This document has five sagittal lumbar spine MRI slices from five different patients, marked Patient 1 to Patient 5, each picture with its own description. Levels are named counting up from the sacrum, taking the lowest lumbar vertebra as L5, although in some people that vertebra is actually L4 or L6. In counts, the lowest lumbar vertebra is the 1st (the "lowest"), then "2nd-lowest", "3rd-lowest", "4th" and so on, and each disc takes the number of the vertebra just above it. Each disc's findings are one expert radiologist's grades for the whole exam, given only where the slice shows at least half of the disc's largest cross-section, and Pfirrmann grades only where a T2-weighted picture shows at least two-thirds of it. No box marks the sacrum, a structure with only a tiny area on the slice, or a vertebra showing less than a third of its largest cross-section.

Patient 1 of 5:
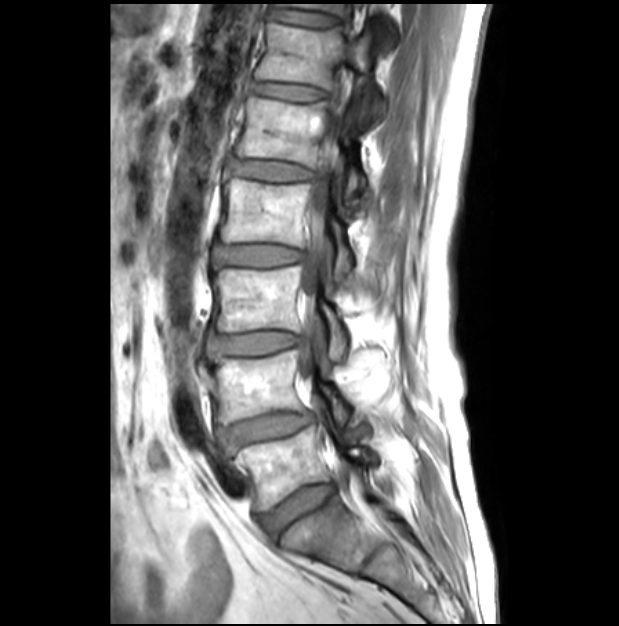
Image 619x626 | MRI lumbar spine (T1-weighted), sagittal plane

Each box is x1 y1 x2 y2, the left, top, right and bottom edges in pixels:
L4 vertebra = 209 350 348 426.
L1 vertebra = 236 95 365 204.
Spinal canal = 298 103 343 379.
L3 vertebra = 213 267 346 358.
L5 vertebra = 235 408 375 510.
T12 = 254 18 383 129.
IVD L3/L4 = 207 331 299 359.
T12/L1 = 250 83 325 101.
L2 = 220 178 351 285.
IVD L2/L3 = 209 243 300 272.
IVD L1/L2 = 228 160 311 181.
IVD T11/T12 = 272 10 339 25.
L4/L5 = 218 412 312 449.
IVD L5/S1 = 260 483 335 535.

Per-level radiological findings:
• L4/L5: disc narrowing, upper-endplate change, spondylolisthesis, disc bulging, lower-endplate change
• L2/L3, L5/S1, L3/L4, T11/T12, T12/L1, L1/L2: no herniation, bulging, narrowing, spondylolisthesis, endplate or Modic change recorded

Patient 2 of 5:
Lumbar spine MR, T2-weighted, sagittal. Image 462x463.

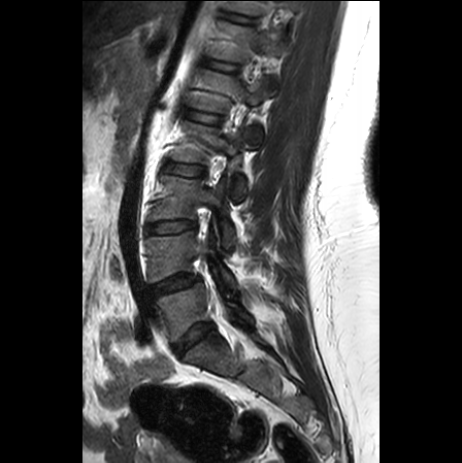

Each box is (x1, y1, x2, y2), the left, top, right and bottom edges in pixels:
Disc T11/T12 at (228, 14, 255, 23), disc L4/L5 at (150, 274, 194, 295), disc L3/L4 at (147, 221, 195, 234), L3 vertebra at (151, 176, 234, 247), disc L5/S1 at (175, 322, 215, 354), L1 at (193, 71, 264, 145), disc L2/L3 at (165, 163, 205, 176), disc L1/L2 at (186, 111, 221, 123), L5 vertebra at (158, 272, 253, 340), T12 vertebra at (215, 24, 287, 94), T12/L1 at (207, 61, 237, 71), L2 vertebra at (173, 122, 245, 202), L4 at (147, 226, 233, 285).

Radiological gradings:
• L5/S1: Pfirrmann grade 3, disc bulging, disc narrowing
• L4/L5: Pfirrmann grade 3, disc narrowing, disc bulging
• L2/L3: Pfirrmann grade 1
• L3/L4: Pfirrmann grade 1
• L1/L2, T12/L1: no herniation, bulging, narrowing, spondylolisthesis, endplate or Modic change recorded

Patient 3 of 5:
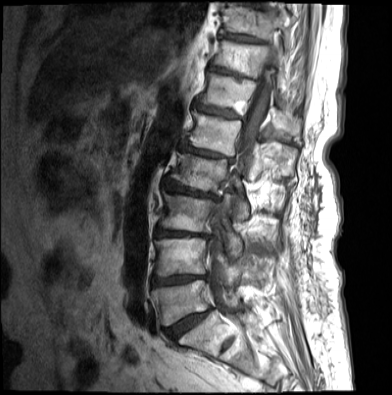 T1-weighted sagittal MRI of the lumbar spine.
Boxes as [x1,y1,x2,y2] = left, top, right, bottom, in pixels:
- 8th vertebra at [218,2,294,49]
- 3rd-lowest disc at [155,227,210,239]
- 7th vertebra at [212,40,287,91]
- spinal canal at [207,62,275,327]
- 6th vertebra at [200,72,302,136]
- 3rd-lowest vertebra at [159,191,242,257]
- 5th disc at [180,141,233,162]
- 9th disc at [238,1,263,8]
- 6th disc at [194,101,242,118]
- 7th disc at [208,65,245,76]
- 8th disc at [220,32,266,43]
- 4th disc at [163,179,219,200]
- 4th vertebra at [170,152,249,219]
- 2nd-lowest vertebra at [154,237,243,281]
- 2nd-lowest disc at [151,275,206,286]
- 5th vertebra at [187,110,297,180]
- lowest disc at [164,308,211,340]
- lowest vertebra at [151,280,276,325]

Per-level radiological findings:
• lowest disc: Modic type II, spondylolisthesis, disc bulging, disc narrowing
• 6th disc: upper-endplate change, lower-endplate change, disc bulging, disc narrowing, Modic type II
• 7th disc: disc bulging, disc narrowing, Modic type II
• 2nd-lowest disc: upper-endplate change, disc bulging, disc narrowing, lower-endplate change, Modic type II
• 4th disc: disc bulging, Modic type II, disc narrowing, disc herniation, lower-endplate change, upper-endplate change
• 8th disc: Modic type II
• 5th disc: upper-endplate change, disc bulging, disc narrowing, Modic type II, lower-endplate change
• 3rd-lowest disc: lower-endplate change, upper-endplate change, Modic type II, disc bulging, disc narrowing
• 9th disc: no spondylolisthesis, narrowing, bulging, herniation, Modic or endplate change recorded

Patient 4 of 5:
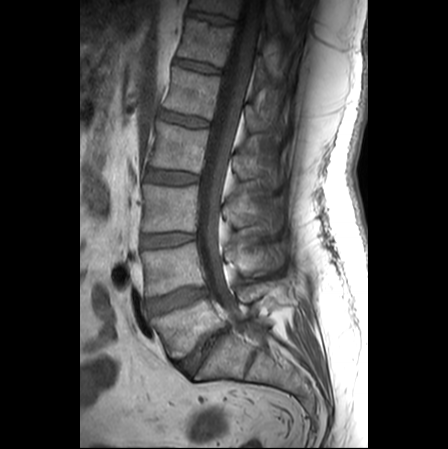 MRI lumbar spine (T1-weighted), sagittal plane

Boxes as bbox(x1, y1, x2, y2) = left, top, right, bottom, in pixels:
Annotations:
- L4/L5 (2nd-lowest disc): bbox(148, 288, 206, 313)
- IVD L2/L3 (4th disc): bbox(147, 170, 198, 185)
- L4 (2nd-lowest vertebra): bbox(142, 243, 283, 295)
- thecal sac / spinal canal: bbox(197, 0, 261, 324)
- T11 (7th vertebra): bbox(190, 0, 275, 27)
- L3 (3rd-lowest vertebra): bbox(143, 185, 282, 232)
- L1/L2 (5th disc): bbox(160, 110, 208, 127)
- L2 (4th vertebra): bbox(149, 122, 282, 187)
- L1 (5th vertebra): bbox(164, 66, 283, 131)
- IVD T12/L1 (6th disc): bbox(176, 59, 219, 73)
- L3/L4 (3rd-lowest disc): bbox(143, 232, 193, 246)
- L5 (lowest vertebra): bbox(151, 284, 287, 359)
- IVD T11/T12 (7th disc): bbox(188, 11, 233, 23)
- L5/S1 (lowest disc): bbox(176, 328, 226, 374)
- T12 (6th vertebra): bbox(178, 18, 270, 83)

Per-level radiological findings:
- L4/L5 (2nd-lowest disc): Modic type II, disc bulging
- L5/S1 (lowest disc): disc bulging, disc narrowing, Modic type II
- L1/L2 (5th disc), L2/L3 (4th disc), T12/L1 (6th disc), L3/L4 (3rd-lowest disc), T11/T12 (7th disc): no Modic or endplate change, herniation, narrowing, bulging or spondylolisthesis recorded

Patient 5 of 5:
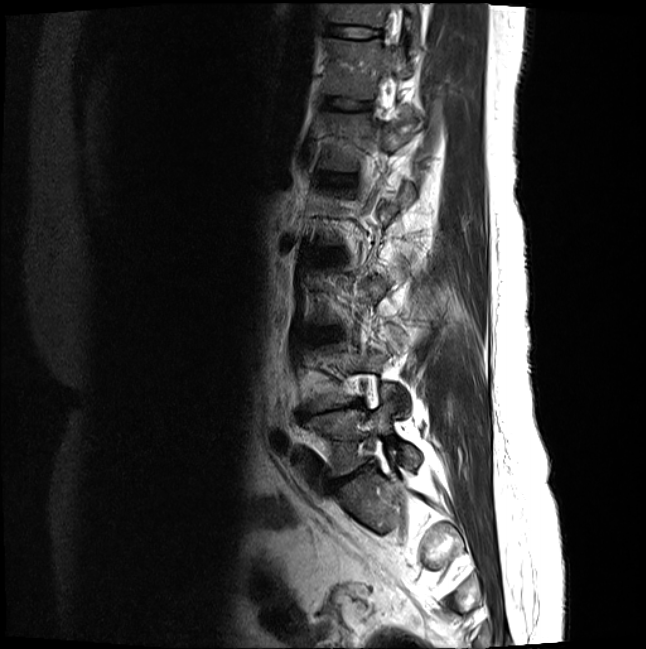 Sagittal T2-weighted lumbar spine MRI, Sagittal slice index 16

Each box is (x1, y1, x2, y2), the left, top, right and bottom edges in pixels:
L2/L3: (311, 250, 343, 259).
IVD T12/L1: (322, 96, 371, 108).
IVD T11/T12: (325, 23, 380, 37).
L5: (305, 388, 420, 476).
L1: (319, 109, 420, 170).
IVD L1/L2: (314, 171, 350, 183).
L4/L5: (296, 400, 363, 418).
T11 vertebra: (329, 1, 419, 44).
L3/L4: (310, 327, 341, 342).
IVD L5/S1: (325, 465, 369, 490).
T12: (322, 36, 410, 99).

Per-level radiological findings:
- T12/L1: Pfirrmann grade 2
- T11/T12: Pfirrmann grade 2